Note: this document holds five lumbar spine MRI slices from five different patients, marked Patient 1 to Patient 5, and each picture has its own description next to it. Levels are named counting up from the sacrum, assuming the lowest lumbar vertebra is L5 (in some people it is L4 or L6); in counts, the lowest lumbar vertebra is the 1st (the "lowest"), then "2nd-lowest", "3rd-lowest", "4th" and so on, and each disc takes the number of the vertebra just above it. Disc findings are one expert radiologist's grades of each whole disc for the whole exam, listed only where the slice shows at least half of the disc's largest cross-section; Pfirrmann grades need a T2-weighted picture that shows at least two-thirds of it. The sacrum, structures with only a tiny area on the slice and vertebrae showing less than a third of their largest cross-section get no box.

Patient 1 of 5:
Slice 65/120, Lumbar spine MR, T2 SPACE (3D), sagittal 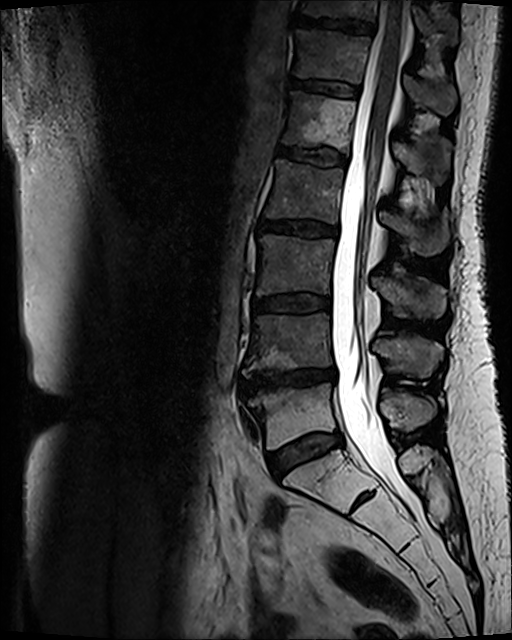

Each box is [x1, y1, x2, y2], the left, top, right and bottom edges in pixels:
L4 vertebra: [242, 313, 443, 377].
T11 vertebra: [299, 0, 456, 42].
T12 vertebra: [294, 31, 456, 114].
Disc L1/L2: [277, 146, 346, 165].
L2: [266, 160, 449, 253].
L5 vertebra: [240, 383, 436, 449].
Disc L5/S1: [268, 433, 343, 478].
L3 vertebra: [256, 235, 445, 318].
L2/L3: [258, 221, 337, 235].
L3/L4: [255, 295, 330, 312].
T11/T12: [296, 17, 374, 34].
Disc T12/L1: [290, 79, 360, 97].
Spinal canal: [331, 0, 409, 504].
L1 vertebra: [283, 92, 451, 185].
Disc L4/L5: [240, 369, 335, 393].

Radiological gradings:
  L4/L5: Pfirrmann grade 4, lower-endplate change, disc narrowing, disc bulging, Modic type II, upper-endplate change
  L5/S1: Pfirrmann grade 3, disc bulging, Modic type II
  L2/L3: Pfirrmann grade 3, disc bulging, Modic type II
  L3/L4: Pfirrmann grade 3, Modic type II, disc bulging
  T11/T12: Pfirrmann grade 4, Modic type II, upper-endplate change, lower-endplate change
  T12/L1: Pfirrmann grade 3, Modic type II
  L1/L2: Pfirrmann grade 3, Modic type II

Patient 2 of 5:
MRI lumbar spine (T2 SPACE (3D)), sagittal plane; Image 512x640; Sex F

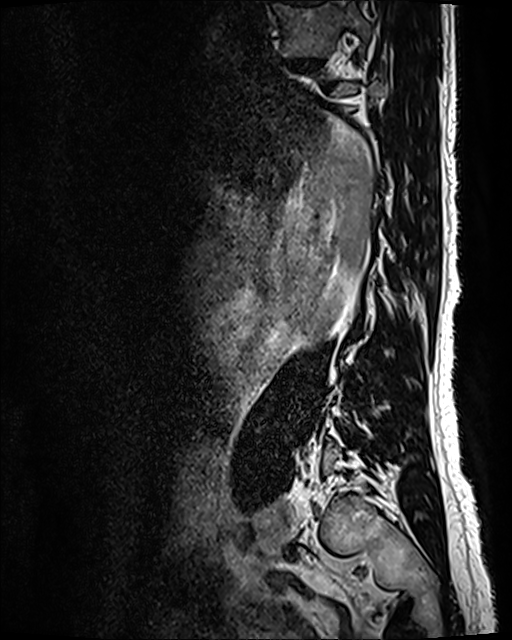 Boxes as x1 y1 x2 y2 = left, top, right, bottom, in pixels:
T10 at 273 2 370 56, T10/T11 at 287 55 327 68.

Patient 3 of 5:
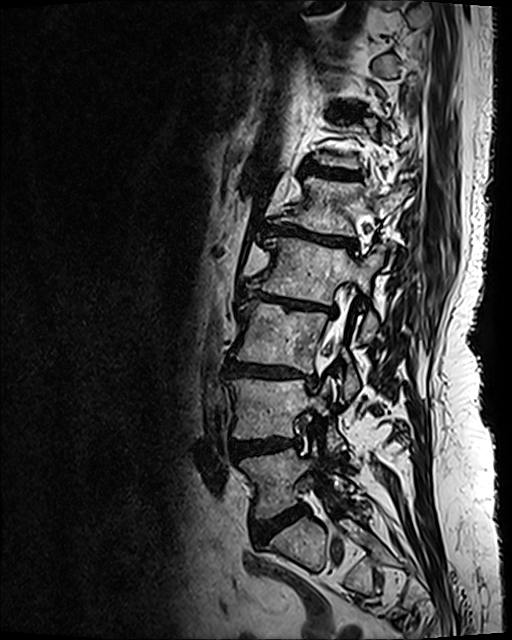 MRI lumbar spine (T2 SPACE (3D)), sagittal plane. Slice 76/120.

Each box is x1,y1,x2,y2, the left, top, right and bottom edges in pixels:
Segmented structures:
* L5/S1 (lowest disc) at 252,505,306,545
* L3 (3rd-lowest vertebra) at 232,301,359,399
* L1 (5th vertebra) at 288,177,409,236
* L2 (4th vertebra) at 246,238,384,342
* intervertebral disc L3/L4 (3rd-lowest disc) at 225,359,315,384
* L4 (2nd-lowest vertebra) at 227,379,346,451
* L1/L2 (5th disc) at 266,224,355,248
* L2/L3 (4th disc) at 239,287,335,314
* thecal sac / spinal canal at 321,325,344,374
* L5 (lowest vertebra) at 240,444,353,518
* L4/L5 (2nd-lowest disc) at 230,436,299,458
* T12/L1 (6th disc) at 303,163,358,178

Expert MSK radiologist gradings (per disc):
  L4/L5 (2nd-lowest disc): upper-endplate change, disc bulging, lower-endplate change
  T12/L1 (6th disc): Pfirrmann grade 4, Modic type II, upper-endplate change, lower-endplate change
  L5/S1 (lowest disc): disc bulging
  L1/L2 (5th disc): Pfirrmann grade 5, Modic type II, lower-endplate change, disc bulging, upper-endplate change, disc narrowing
  L2/L3 (4th disc): Modic type II, lower-endplate change, disc narrowing, upper-endplate change, disc bulging
  L3/L4 (3rd-lowest disc): Pfirrmann grade 5, disc narrowing, lower-endplate change, Modic type II, upper-endplate change, disc bulging

Patient 4 of 5:
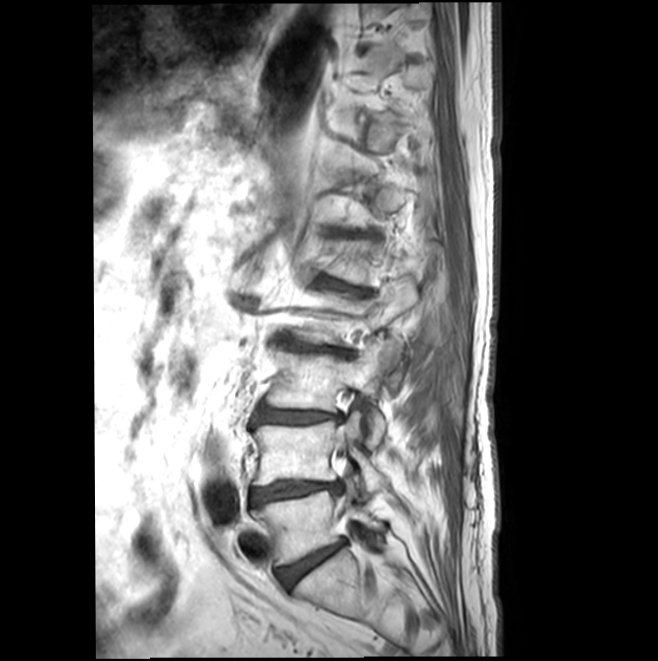

Slice spacing 4.4 mm, T1-weighted sagittal MRI of the lumbar spine, Slice 15 of 22
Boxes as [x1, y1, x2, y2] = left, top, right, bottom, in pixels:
2nd-lowest disc — [250, 482, 341, 506].
Lowest vertebra — [251, 489, 382, 565].
5th vertebra — [322, 240, 424, 285].
3rd-lowest vertebra — [266, 340, 391, 444].
2nd-lowest vertebra — [252, 412, 386, 493].
3rd-lowest disc — [254, 407, 342, 423].
Lowest disc — [277, 540, 345, 588].
4th disc — [279, 339, 349, 356].
5th disc — [317, 277, 370, 294].
Thecal sac / spinal canal — [344, 439, 355, 456].
4th vertebra — [292, 249, 417, 345].

Radiological gradings:
- 2nd-lowest disc: upper-endplate change, disc narrowing, disc bulging, lower-endplate change, Modic type II
- 3rd-lowest disc: disc bulging, Modic type II, disc narrowing, lower-endplate change, upper-endplate change
- lowest disc: disc bulging, Modic type II, disc narrowing

Patient 5 of 5:
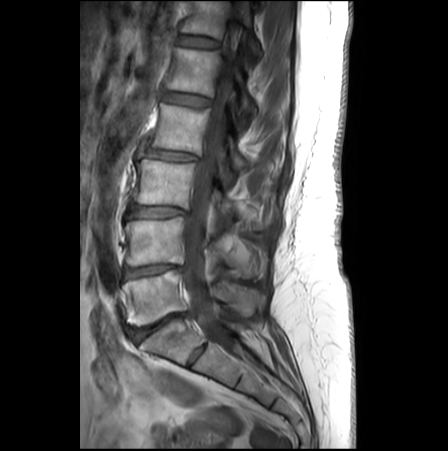

T1-weighted sagittal MRI of the lumbar spine
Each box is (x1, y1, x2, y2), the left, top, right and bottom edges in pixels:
Annotations:
* L2 (4th vertebra): (151, 104, 277, 174)
* L1 (5th vertebra): (166, 47, 256, 115)
* L2/L3 (4th disc): (145, 147, 199, 160)
* thecal sac / spinal canal: (182, 51, 234, 346)
* L5 (lowest vertebra): (123, 269, 265, 326)
* L1/L2 (5th disc): (162, 91, 210, 106)
* T12 (6th vertebra): (181, 0, 261, 55)
* L3 (3rd-lowest vertebra): (132, 159, 264, 228)
* disc L3/L4 (3rd-lowest disc): (127, 205, 187, 218)
* L4/L5 (2nd-lowest disc): (122, 265, 184, 279)
* T12/L1 (6th disc): (177, 36, 219, 47)
* L5/S1 (lowest disc): (131, 313, 184, 341)
* L4 (2nd-lowest vertebra): (125, 216, 265, 277)

Radiological gradings:
• L5/S1 (lowest disc): disc narrowing, Modic type II, disc bulging
• L4/L5 (2nd-lowest disc): Modic type II, disc bulging, upper-endplate change, disc narrowing
• L2/L3 (4th disc): disc narrowing, disc bulging
• L3/L4 (3rd-lowest disc): disc bulging, Modic type II
• T12/L1 (6th disc), L1/L2 (5th disc): no spondylolisthesis, narrowing, bulging, herniation, Modic or endplate change recorded